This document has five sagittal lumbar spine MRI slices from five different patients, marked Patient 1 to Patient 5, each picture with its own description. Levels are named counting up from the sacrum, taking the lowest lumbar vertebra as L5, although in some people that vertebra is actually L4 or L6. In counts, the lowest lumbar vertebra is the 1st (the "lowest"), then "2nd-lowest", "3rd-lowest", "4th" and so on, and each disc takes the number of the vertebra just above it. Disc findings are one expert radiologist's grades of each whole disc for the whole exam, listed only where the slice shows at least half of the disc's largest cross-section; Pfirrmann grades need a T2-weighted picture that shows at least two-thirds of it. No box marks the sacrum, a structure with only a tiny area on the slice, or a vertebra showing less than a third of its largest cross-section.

Patient 1 of 5:
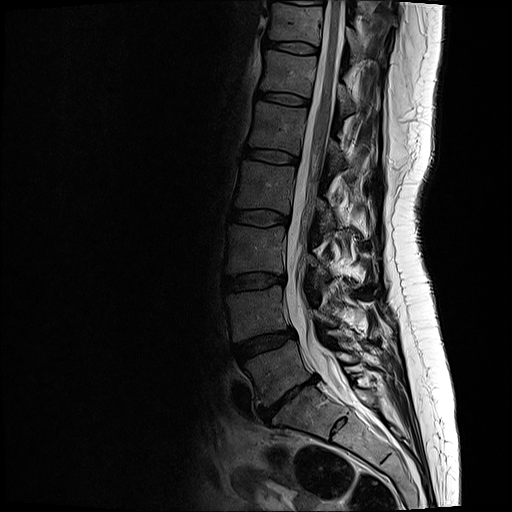 T2-weighted sagittal MRI of the lumbar spine

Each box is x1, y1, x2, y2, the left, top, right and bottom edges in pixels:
IVD L4/L5 (2nd-lowest disc): 233, 328, 292, 361 | IVD T11/T12 (7th disc): 264, 40, 315, 52 | T12 (6th vertebra): 259, 50, 356, 111 | L4 (2nd-lowest vertebra): 225, 286, 336, 340 | thecal sac / spinal canal: 283, 1, 353, 402 | L1/L2 (5th disc): 242, 147, 295, 163 | L5/S1 (lowest disc): 257, 376, 315, 421 | IVD L3/L4 (3rd-lowest disc): 221, 273, 282, 291 | T11 (7th vertebra): 268, 2, 363, 57 | L5 (lowest vertebra): 243, 340, 357, 405 | L2 (4th vertebra): 233, 162, 338, 225 | L3 (3rd-lowest vertebra): 225, 225, 328, 277 | L1 (5th vertebra): 247, 102, 346, 165 | IVD L2/L3 (4th disc): 228, 208, 286, 225 | IVD T12/L1 (6th disc): 256, 91, 306, 105

Expert MSK radiologist gradings (per disc):
  L5/S1 (lowest disc): Pfirrmann grade 5, lower-endplate change, disc narrowing, disc bulging, upper-endplate change, disc herniation, Modic type III
  L2/L3 (4th disc): Pfirrmann grade 2
  T11/T12 (7th disc): Pfirrmann grade 2
  L3/L4 (3rd-lowest disc): Pfirrmann grade 2, disc bulging
  L4/L5 (2nd-lowest disc): Pfirrmann grade 3, disc bulging
  L1/L2 (5th disc): Pfirrmann grade 2
  T12/L1 (6th disc): Pfirrmann grade 2

Patient 2 of 5:
Slice spacing 0.9 mm. T2 SPACE (3D) sagittal MRI of the lumbar spine.
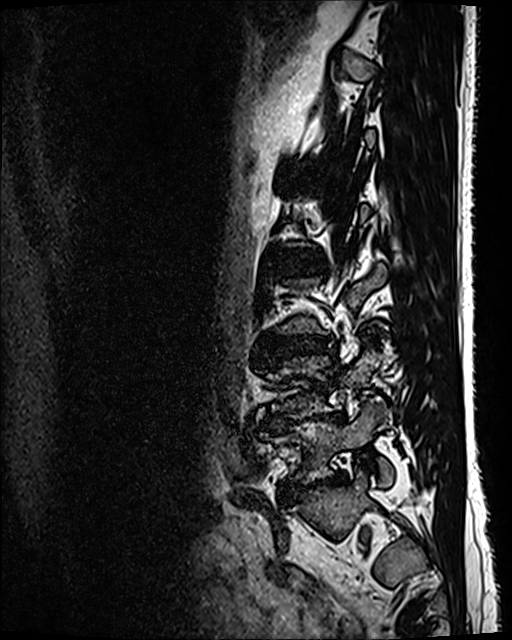

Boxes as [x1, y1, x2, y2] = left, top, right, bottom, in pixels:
Structures:
• L3/L4 at [268, 335, 331, 353]
• L5/S1 at [284, 473, 345, 496]
• L5 at [266, 401, 391, 483]
• intervertebral disc L4/L5 at [272, 413, 342, 426]
• L4 vertebra at [271, 349, 393, 415]

Per-level radiological findings:
  L3/L4: Pfirrmann grade 3, disc narrowing, disc bulging

Patient 3 of 5:
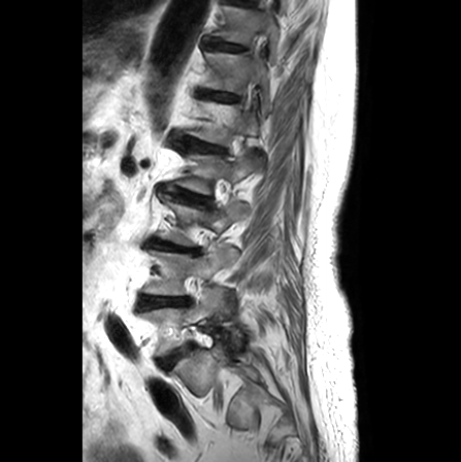 461x462 px. Sagittal T2-weighted lumbar spine MRI. Field of view 280x280 mm, slice spacing 3.3 mm.

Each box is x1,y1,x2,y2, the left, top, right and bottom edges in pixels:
Structures:
- L3 vertebra: 157,194,244,246
- IVD L1/L2: 173,133,224,152
- L3/L4: 149,239,199,254
- L4 vertebra: 143,246,238,295
- T11/T12: 204,40,247,50
- L5 vertebra: 140,287,242,356
- IVD L2/L3: 161,185,211,204
- L1: 185,100,259,145
- T12 vertebra: 202,51,270,115
- L2: 174,148,259,194
- T11: 212,5,279,57
- IVD T12/L1: 199,90,239,101
- L4/L5: 138,296,190,309
- L5/S1: 158,346,190,369

Per-level radiological findings:
• L1/L2: Pfirrmann grade 3, disc narrowing, upper-endplate change, lower-endplate change, disc bulging
• T12/L1: Pfirrmann grade 2, upper-endplate change
• L4/L5: Modic type II, disc narrowing
• T11/T12: Pfirrmann grade 1
• L2/L3: Pfirrmann grade 3, disc narrowing, lower-endplate change, upper-endplate change
• L3/L4: disc narrowing, upper-endplate change, lower-endplate change, Modic type II

Patient 4 of 5:
Sagittal slice index 10 | Lumbar spine MR, T1-weighted, sagittal 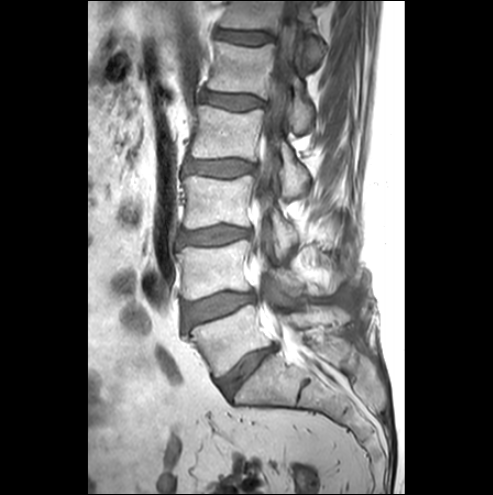 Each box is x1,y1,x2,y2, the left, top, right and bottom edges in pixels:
2nd-lowest vertebra = 178,239,341,299.
4th vertebra = 190,105,307,196.
Lowest vertebra = 190,304,350,375.
6th disc = 216,29,272,43.
3rd-lowest vertebra = 181,174,298,254.
6th vertebra = 220,1,322,67.
5th vertebra = 208,41,311,130.
Lowest disc = 219,346,273,395.
Spinal canal = 252,1,299,314.
3rd-lowest disc = 183,225,248,244.
4th disc = 185,159,252,176.
5th disc = 201,91,261,109.
2nd-lowest disc = 185,292,252,326.

Degenerative findings by level:
- 2nd-lowest disc: Modic type III, disc bulging
- 3rd-lowest disc: disc bulging
- lowest disc: disc narrowing, disc bulging
- 6th disc, 4th disc, 5th disc: no spondylolisthesis, narrowing, bulging, herniation, Modic or endplate change recorded

Patient 5 of 5:
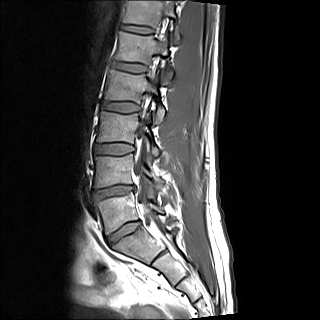

Sagittal T1-weighted lumbar spine MRI

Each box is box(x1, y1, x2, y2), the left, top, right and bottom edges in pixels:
L4 at box(94, 154, 160, 187).
L3 at box(96, 111, 158, 155).
L3/L4 at box(94, 143, 133, 155).
L4/L5 at box(92, 185, 134, 200).
Spinal canal at box(134, 17, 167, 219).
L2/L3 at box(101, 101, 139, 112).
T12/L1 at box(121, 24, 153, 33).
L5 at box(95, 192, 163, 234).
T12 at box(123, 0, 180, 42).
Disc L5/S1 at box(106, 221, 140, 246).
L1/L2 at box(112, 61, 146, 72).
L1 at box(115, 31, 172, 83).
L2 at box(104, 69, 164, 122).

Radiological gradings:
• L4/L5: disc herniation, disc narrowing
• L5/S1: disc bulging
• T12/L1, L2/L3, L1/L2, L3/L4: no Modic or endplate change, herniation, narrowing, bulging or spondylolisthesis recorded